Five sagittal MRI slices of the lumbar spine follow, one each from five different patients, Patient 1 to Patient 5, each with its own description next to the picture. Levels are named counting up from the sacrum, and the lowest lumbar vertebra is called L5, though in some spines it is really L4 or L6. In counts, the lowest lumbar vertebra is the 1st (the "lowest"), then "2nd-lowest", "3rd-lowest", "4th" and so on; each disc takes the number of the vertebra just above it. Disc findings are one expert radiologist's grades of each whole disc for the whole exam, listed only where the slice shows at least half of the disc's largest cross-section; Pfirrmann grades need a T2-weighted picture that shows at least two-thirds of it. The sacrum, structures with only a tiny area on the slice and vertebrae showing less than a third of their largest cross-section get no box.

Patient 1 of 5:
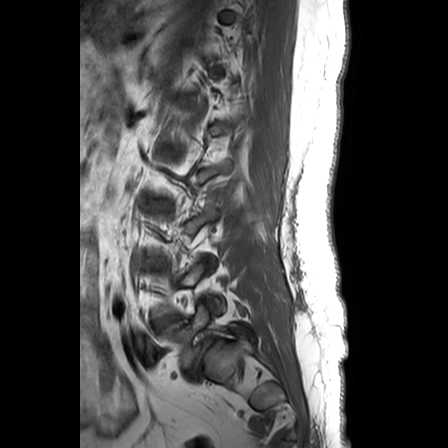 T1-weighted sagittal MRI of the lumbar spine. Slice 19/24.
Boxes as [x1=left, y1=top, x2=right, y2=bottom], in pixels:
intervertebral disc L4/L5 (2nd-lowest disc): [x1=154, y1=315, x2=181, y2=329]
intervertebral disc L5/S1 (lowest disc): [x1=189, y1=339, x2=214, y2=376]
L5 (lowest vertebra): [x1=165, y1=304, x2=224, y2=368]

Patient 2 of 5:
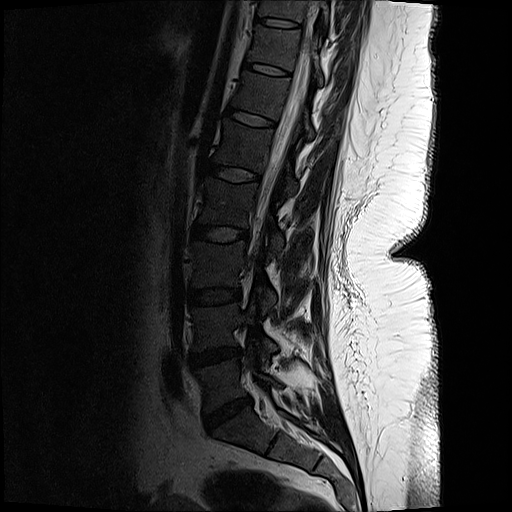 Slice 11/17. T2-weighted sagittal MRI of the lumbar spine.
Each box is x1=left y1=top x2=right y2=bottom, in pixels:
T10 at x1=259 y1=0 x2=329 y2=30.
IVD L1/L2 at x1=201 y1=163 x2=261 y2=183.
L4 at x1=193 y1=303 x2=275 y2=363.
L1 vertebra at x1=215 y1=122 x2=298 y2=200.
IVD T10/T11 at x1=261 y1=18 x2=299 y2=29.
IVD L3/L4 at x1=188 y1=286 x2=238 y2=305.
L2 at x1=199 y1=178 x2=284 y2=258.
T12 at x1=234 y1=71 x2=314 y2=138.
IVD L4/L5 at x1=192 y1=347 x2=238 y2=367.
IVD L2/L3 at x1=191 y1=224 x2=248 y2=242.
IVD T11/T12 at x1=245 y1=62 x2=293 y2=77.
IVD T12/L1 at x1=225 y1=104 x2=278 y2=127.
IVD L5/S1 at x1=201 y1=397 x2=249 y2=429.
L5 vertebra at x1=196 y1=354 x2=278 y2=410.
Thecal sac / spinal canal at x1=259 y1=0 x2=319 y2=217.
T11 vertebra at x1=249 y1=26 x2=323 y2=84.
L3 at x1=192 y1=243 x2=275 y2=313.

Radiological gradings:
  L2/L3: Pfirrmann grade 1
  L5/S1: Pfirrmann grade 4, disc narrowing, disc bulging
  L4/L5: disc bulging, disc narrowing
  L1/L2: Pfirrmann grade 1
  T12/L1: Pfirrmann grade 1
  T11/T12: Pfirrmann grade 1
  T10/T11: Pfirrmann grade 1
  L3/L4: Pfirrmann grade 1

Patient 3 of 5:
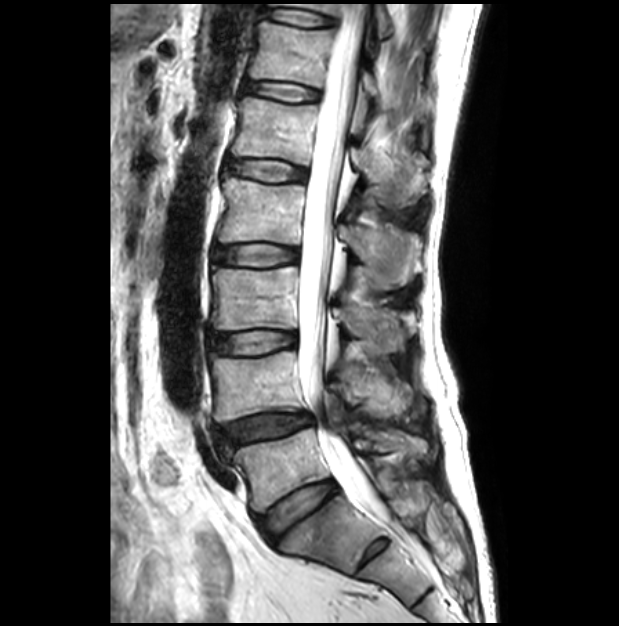

Sagittal slice index 15. T2-weighted sagittal MRI of the lumbar spine. Sex M.
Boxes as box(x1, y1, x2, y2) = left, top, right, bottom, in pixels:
Segmented structures:
• T11/T12: box(264, 9, 333, 25)
• disc L4/L5: box(217, 412, 312, 449)
• L1/L2: box(226, 159, 307, 181)
• L5: box(232, 428, 426, 511)
• T12 vertebra: box(249, 21, 426, 117)
• L2/L3: box(211, 245, 297, 266)
• L2: box(217, 176, 419, 288)
• T11 vertebra: box(271, 2, 391, 37)
• L4 vertebra: box(210, 351, 411, 423)
• L5/S1: box(258, 480, 337, 541)
• L3/L4: box(210, 331, 295, 356)
• L3: box(210, 267, 415, 353)
• spinal canal: box(298, 4, 386, 519)
• L1 vertebra: box(232, 97, 426, 203)
• T12/L1: box(243, 81, 318, 101)

Degenerative findings by level:
  L4/L5: Pfirrmann grade 3, disc narrowing, lower-endplate change, disc bulging, upper-endplate change, spondylolisthesis
  L3/L4: Pfirrmann grade 1
  T11/T12: Pfirrmann grade 1
  L5/S1: Pfirrmann grade 2
  L2/L3: Pfirrmann grade 1
  T12/L1: Pfirrmann grade 1
  L1/L2: no Modic or endplate change, herniation, narrowing, bulging or spondylolisthesis recorded

Patient 4 of 5:
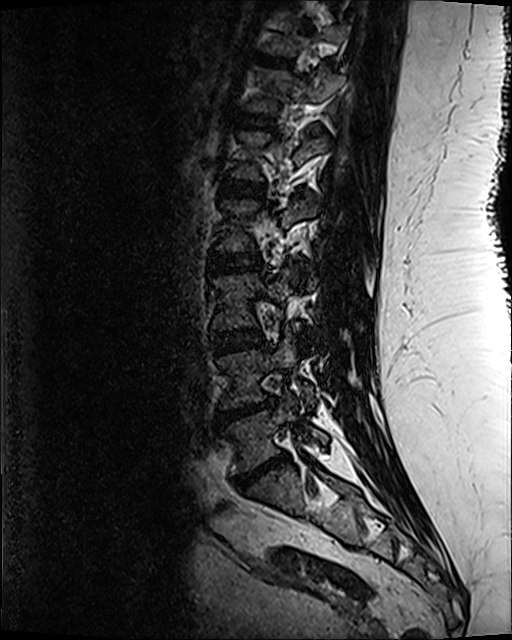
Lumbar spine MR, T2 SPACE (3D), sagittal; Field of view 240x300 mm, slice spacing 0.9 mm

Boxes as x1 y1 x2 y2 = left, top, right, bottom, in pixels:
Structures:
* L3 vertebra — 213 270 294 328
* L1/L2 — 220 179 264 196
* disc T10/T11 — 275 0 289 5
* disc L2/L3 — 208 253 260 273
* L5/S1 — 233 455 287 489
* L5 vertebra — 227 400 328 473
* disc T11/T12 — 256 56 290 65
* L4 — 218 335 315 408
* disc L3/L4 — 213 331 262 352
* L1 — 230 132 327 180
* T12 — 247 68 344 113
* disc T12/L1 — 230 110 274 129
* T11 vertebra — 263 11 345 54
* L4/L5 — 219 399 275 421

Per-level radiological findings:
  L5/S1: Modic type II, upper-endplate change, lower-endplate change, disc herniation, disc narrowing
  L3/L4: Pfirrmann grade 3
  L1/L2: Pfirrmann grade 3, lower-endplate change
  T11/T12: lower-endplate change
  L2/L3: Pfirrmann grade 3, upper-endplate change, lower-endplate change
  T12/L1: Pfirrmann grade 3

Patient 5 of 5:
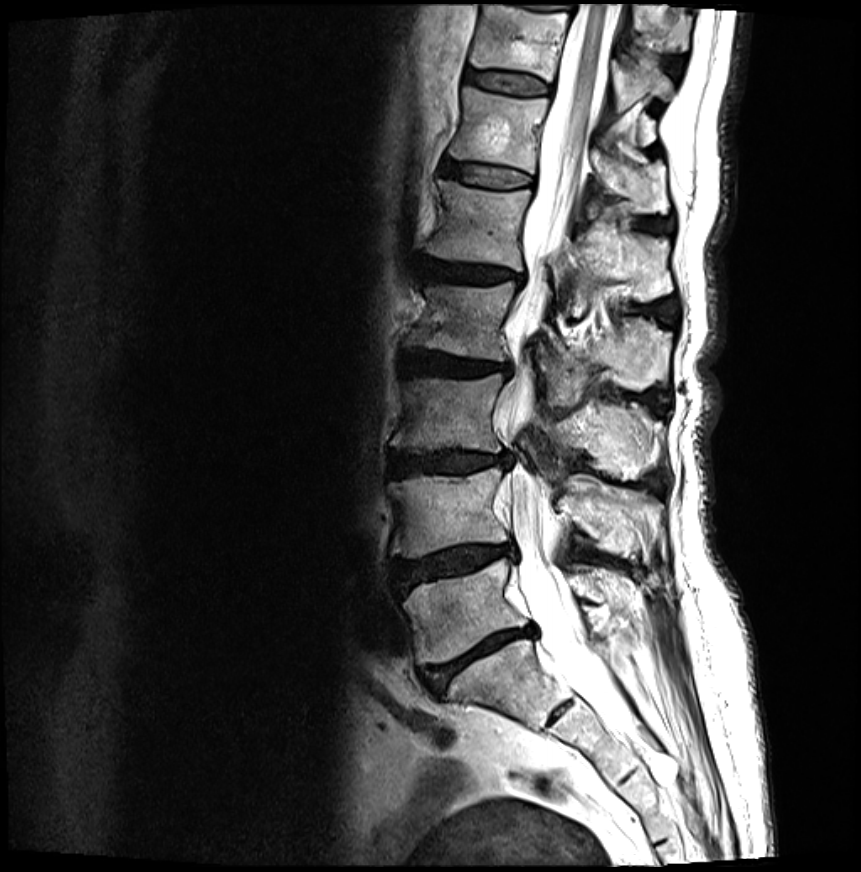 T2-weighted sagittal MRI of the lumbar spine, Slice 13 of 27, Sex F
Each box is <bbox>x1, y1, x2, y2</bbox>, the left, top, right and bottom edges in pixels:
- 4th disc = <bbox>404, 354, 508, 375</bbox>
- 6th disc = <bbox>442, 162, 529, 189</bbox>
- lowest disc = <bbox>422, 628, 534, 692</bbox>
- 3rd-lowest disc = <bbox>390, 452, 510, 475</bbox>
- 6th vertebra = <bbox>449, 88, 668, 213</bbox>
- lowest vertebra = <bbox>404, 559, 631, 665</bbox>
- 7th vertebra = <bbox>469, 6, 672, 112</bbox>
- 2nd-lowest disc = <bbox>392, 543, 513, 591</bbox>
- 3rd-lowest vertebra = <bbox>392, 373, 663, 480</bbox>
- thecal sac / spinal canal = <bbox>511, 6, 624, 718</bbox>
- 4th vertebra = <bbox>410, 283, 672, 406</bbox>
- 7th disc = <bbox>466, 71, 549, 95</bbox>
- 5th vertebra = <bbox>427, 181, 672, 317</bbox>
- 2nd-lowest vertebra = <bbox>388, 467, 661, 558</bbox>
- 5th disc = <bbox>422, 259, 520, 282</bbox>

Degenerative findings by level:
- 6th disc: Pfirrmann grade 2, upper-endplate change, lower-endplate change, Modic type II
- 2nd-lowest disc: Pfirrmann grade 4, disc narrowing, disc herniation, disc bulging, upper-endplate change, lower-endplate change, Modic type II
- 7th disc: Pfirrmann grade 2, lower-endplate change, Modic type II, upper-endplate change
- 5th disc: Pfirrmann grade 4, disc bulging, disc narrowing, upper-endplate change, lower-endplate change, Modic type II
- lowest disc: Pfirrmann grade 5, disc narrowing, Modic type II, lower-endplate change, upper-endplate change, disc bulging
- 4th disc: Pfirrmann grade 4, disc bulging, upper-endplate change, Modic type II, disc narrowing, lower-endplate change
- 3rd-lowest disc: Pfirrmann grade 4, upper-endplate change, disc bulging, Modic type II, lower-endplate change, disc narrowing